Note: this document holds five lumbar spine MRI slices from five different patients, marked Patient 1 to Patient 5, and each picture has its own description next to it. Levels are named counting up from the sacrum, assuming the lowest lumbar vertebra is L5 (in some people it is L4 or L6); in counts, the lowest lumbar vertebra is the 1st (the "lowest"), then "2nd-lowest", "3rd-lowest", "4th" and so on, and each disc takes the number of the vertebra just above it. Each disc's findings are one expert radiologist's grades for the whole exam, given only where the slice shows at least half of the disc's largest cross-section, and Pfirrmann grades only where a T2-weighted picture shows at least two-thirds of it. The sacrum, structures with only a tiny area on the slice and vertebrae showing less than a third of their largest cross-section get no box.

Patient 1 of 5:
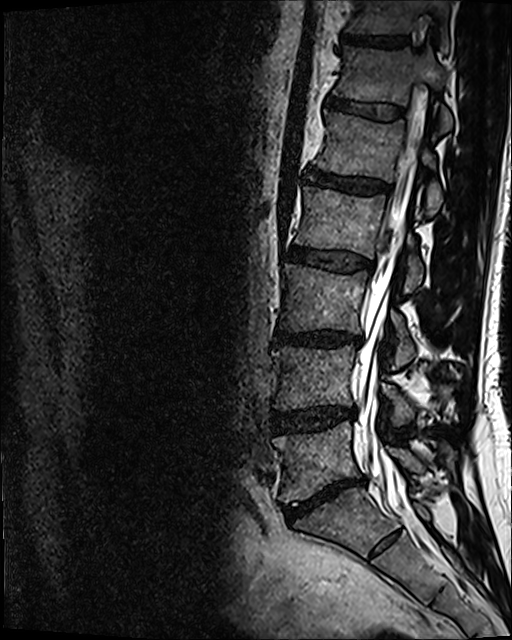 Sagittal T2 SPACE (3D) lumbar spine MRI.
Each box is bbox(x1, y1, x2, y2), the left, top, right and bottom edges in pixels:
Segmented structures:
* lowest disc: bbox(285, 476, 365, 520)
* 7th disc: bbox(343, 33, 406, 48)
* 7th vertebra: bbox(348, 0, 450, 52)
* 2nd-lowest disc: bbox(271, 407, 354, 431)
* lowest vertebra: bbox(273, 422, 424, 504)
* 6th disc: bbox(328, 97, 403, 119)
* 3rd-lowest disc: bbox(273, 331, 361, 346)
* 3rd-lowest vertebra: bbox(281, 264, 413, 368)
* 2nd-lowest vertebra: bbox(272, 346, 413, 425)
* 4th disc: bbox(289, 247, 374, 271)
* 4th vertebra: bbox(295, 187, 424, 294)
* 5th vertebra: bbox(315, 112, 442, 215)
* 5th disc: bbox(305, 167, 390, 194)
* thecal sac / spinal canal: bbox(358, 136, 422, 511)
* 6th vertebra: bbox(334, 46, 452, 130)

Radiological gradings:
• 7th disc: Pfirrmann grade 4
• 5th disc: Pfirrmann grade 4
• 4th disc: Pfirrmann grade 3, disc bulging
• 3rd-lowest disc: Pfirrmann grade 4, disc narrowing, lower-endplate change, disc bulging
• 6th disc: Pfirrmann grade 3
• 2nd-lowest disc: Pfirrmann grade 3, disc bulging, disc narrowing
• lowest disc: Pfirrmann grade 5, disc bulging, Modic type II, disc narrowing

Patient 2 of 5:
384x384 px. Lumbar spine MR, T1-weighted, sagittal.

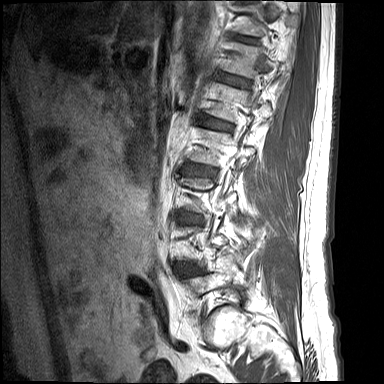 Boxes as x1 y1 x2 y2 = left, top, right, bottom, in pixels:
Annotations:
* 6th disc: 220 73 247 86
* 5th disc: 205 117 230 129
* 7th disc: 237 36 253 43
* 6th vertebra: 224 42 261 77
* 4th disc: 192 166 213 175

Patient 3 of 5:
Image 448x448. Philips Healthcare Ingenia (3T). T1-weighted sagittal MRI of the lumbar spine.

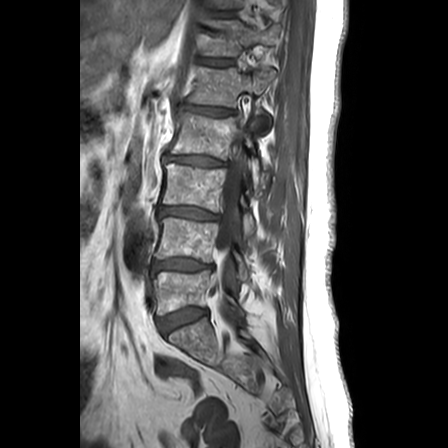
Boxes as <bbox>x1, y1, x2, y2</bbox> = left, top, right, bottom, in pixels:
L3 vertebra: <bbox>163, 163, 255, 237</bbox>
L5 vertebra: <bbox>152, 270, 240, 314</bbox>
intervertebral disc L1/L2: <bbox>183, 104, 232, 115</bbox>
L2: <bbox>171, 112, 266, 183</bbox>
spinal canal: <bbox>214, 124, 243, 299</bbox>
T12/L1: <bbox>199, 57, 233, 66</bbox>
L4: <bbox>155, 217, 249, 280</bbox>
T12 vertebra: <bbox>203, 20, 276, 56</bbox>
intervertebral disc T11/T12: <bbox>212, 11, 233, 16</bbox>
L3/L4: <bbox>159, 206, 218, 219</bbox>
intervertebral disc L2/L3: <bbox>165, 154, 224, 166</bbox>
L4/L5: <bbox>151, 258, 212, 273</bbox>
intervertebral disc L5/S1: <bbox>159, 308, 207, 332</bbox>
L1: <bbox>188, 67, 275, 106</bbox>

Degenerative findings by level:
  L4/L5: lower-endplate change, Modic type II, disc bulging, upper-endplate change
  L1/L2: disc narrowing, disc bulging
  L3/L4: disc narrowing, disc bulging, upper-endplate change, lower-endplate change, Modic type II
  L2/L3: upper-endplate change, disc bulging, Modic type II, lower-endplate change, disc narrowing
  L5/S1: lower-endplate change, Modic type II, upper-endplate change
  T12/L1: no spondylolisthesis, narrowing, bulging, herniation, Modic or endplate change recorded

Patient 4 of 5:
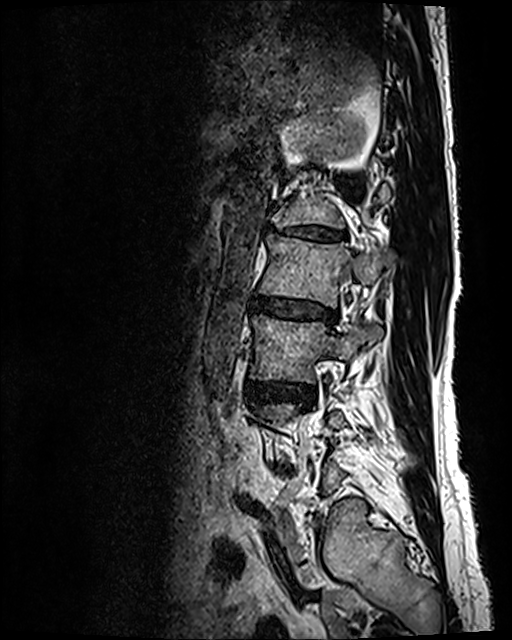 Slice 34/120. Sex F. Lumbar spine MR, T2 SPACE (3D), sagittal.

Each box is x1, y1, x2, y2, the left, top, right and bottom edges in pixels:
Disc L3/L4 — 247, 382, 312, 403.
L1/L2 — 267, 225, 345, 240.
L3 — 251, 314, 383, 382.
L2/L3 — 252, 296, 337, 324.
L2 vertebra — 259, 235, 394, 307.

Radiological gradings:
• L2/L3: Pfirrmann grade 3, disc narrowing, disc bulging
• L1/L2: Pfirrmann grade 5, lower-endplate change, disc bulging, Modic type II, upper-endplate change, disc narrowing
• L3/L4: Pfirrmann grade 3, disc bulging

Patient 5 of 5:
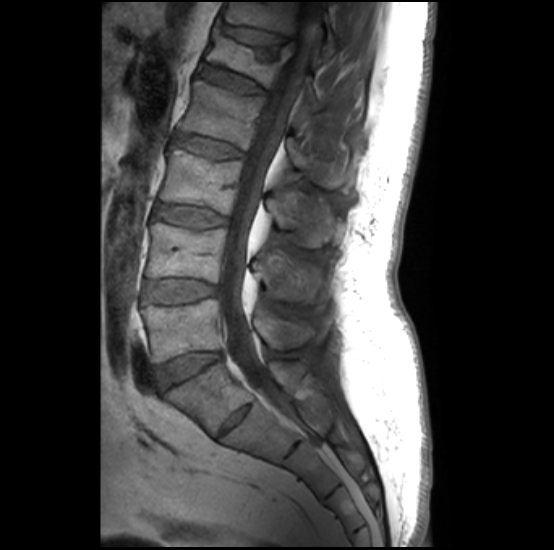

Lumbar spine MR, T1-weighted, sagittal | Slice 17 of 32

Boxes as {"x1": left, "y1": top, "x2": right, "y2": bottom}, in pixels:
L2/L3 at {"x1": 172, "y1": 133, "x2": 245, "y2": 158}, disc L1/L2 at {"x1": 201, "y1": 64, "x2": 266, "y2": 94}, L4/L5 at {"x1": 143, "y1": 279, "x2": 214, "y2": 302}, T12 at {"x1": 222, "y1": 2, "x2": 336, "y2": 58}, L5/S1 at {"x1": 156, "y1": 353, "x2": 221, "y2": 390}, L2 at {"x1": 178, "y1": 78, "x2": 351, "y2": 187}, L1 at {"x1": 206, "y1": 25, "x2": 320, "y2": 110}, spinal canal at {"x1": 219, "y1": 2, "x2": 323, "y2": 387}, L3 at {"x1": 160, "y1": 147, "x2": 339, "y2": 247}, L4 at {"x1": 146, "y1": 222, "x2": 318, "y2": 301}, L3/L4 at {"x1": 156, "y1": 204, "x2": 227, "y2": 228}, disc T12/L1 at {"x1": 222, "y1": 23, "x2": 287, "y2": 45}, L5 vertebra at {"x1": 143, "y1": 299, "x2": 310, "y2": 363}.

Expert MSK radiologist gradings (per disc):
• L4/L5: lower-endplate change, Modic type II, upper-endplate change
• T12/L1: spondylolisthesis, upper-endplate change
• L2/L3: upper-endplate change, lower-endplate change, Modic type II
• L3/L4: lower-endplate change, Modic type II, upper-endplate change
• L1/L2: Modic type II, upper-endplate change, lower-endplate change
• L5/S1: no spondylolisthesis, narrowing, bulging, herniation, Modic or endplate change recorded